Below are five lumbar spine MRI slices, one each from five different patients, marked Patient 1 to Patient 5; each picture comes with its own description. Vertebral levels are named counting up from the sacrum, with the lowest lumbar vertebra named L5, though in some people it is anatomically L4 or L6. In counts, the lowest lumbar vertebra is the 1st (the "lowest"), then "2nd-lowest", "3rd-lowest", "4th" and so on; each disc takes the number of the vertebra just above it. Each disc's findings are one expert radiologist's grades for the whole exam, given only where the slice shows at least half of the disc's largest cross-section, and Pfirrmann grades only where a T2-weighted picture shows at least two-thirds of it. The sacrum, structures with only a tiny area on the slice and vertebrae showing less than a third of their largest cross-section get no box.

Patient 1 of 5:
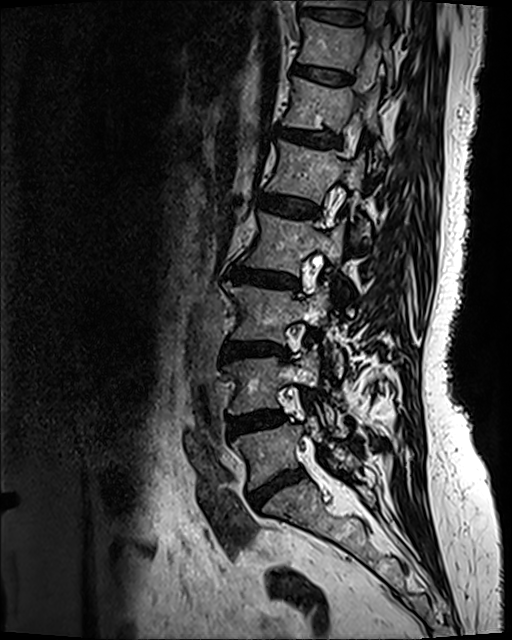
Sagittal T2 SPACE (3D) lumbar spine MRI; Slice 76 of 120

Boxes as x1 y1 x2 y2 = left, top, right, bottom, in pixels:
T12 at 283 78 382 160, L3/L4 at 223 340 287 355, disc T12/L1 at 276 127 342 147, L5 vertebra at 232 417 360 489, spinal canal at 370 1 386 54, disc L1/L2 at 255 191 318 217, L1 vertebra at 267 140 370 240, L3 at 224 282 343 373, T11/T12 at 293 64 351 83, T10 at 303 0 406 29, L4 at 225 349 333 421, T11 at 299 18 392 85, disc L4/L5 at 228 411 283 436, L2 vertebra at 245 212 344 275, disc T10/T11 at 300 7 363 25, disc L5/S1 at 251 471 301 507, disc L2/L3 at 228 266 299 290.

Radiological gradings:
• L2/L3: Pfirrmann grade 4, upper-endplate change, disc bulging, disc narrowing, Modic type II, lower-endplate change
• T10/T11: Pfirrmann grade 2
• L4/L5: disc bulging
• L3/L4: Pfirrmann grade 4, Modic type II, disc narrowing, lower-endplate change, upper-endplate change, disc bulging
• L5/S1: disc narrowing, disc bulging
• L1/L2: Pfirrmann grade 2
• T12/L1: Pfirrmann grade 3, disc bulging
• T11/T12: Pfirrmann grade 2

Patient 2 of 5:
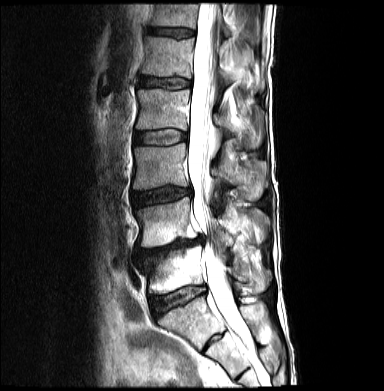
Slice 10 of 21. T2-weighted sagittal MRI of the lumbar spine.
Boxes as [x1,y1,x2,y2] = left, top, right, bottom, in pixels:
{"L1 vertebra": "[142,36,264,91]", "L5": "[138,245,270,294]", "L5/S1": "[150,286,204,315]", "IVD L4/L5": "[135,236,202,259]", "L3": "[133,143,267,199]", "L2 vertebra": "[136,89,264,148]", "L1/L2": "[139,77,190,89]", "IVD L3/L4": "[131,186,191,207]", "L2/L3": "[135,129,186,145]", "L4": "[135,197,269,247]", "thecal sac / spinal canal": "[187,3,248,342]", "T12": "[150,5,231,35]", "T12/L1": "[147,27,194,38]"}

Per-level radiological findings:
  L4/L5: Pfirrmann grade 5, disc bulging, disc herniation, lower-endplate change, upper-endplate change, disc narrowing, Modic type II
  T12/L1: Pfirrmann grade 3
  L2/L3: Pfirrmann grade 2
  L1/L2: Pfirrmann grade 2
  L3/L4: Pfirrmann grade 3, disc bulging, disc narrowing
  L5/S1: Pfirrmann grade 2, Modic type II

Patient 3 of 5:
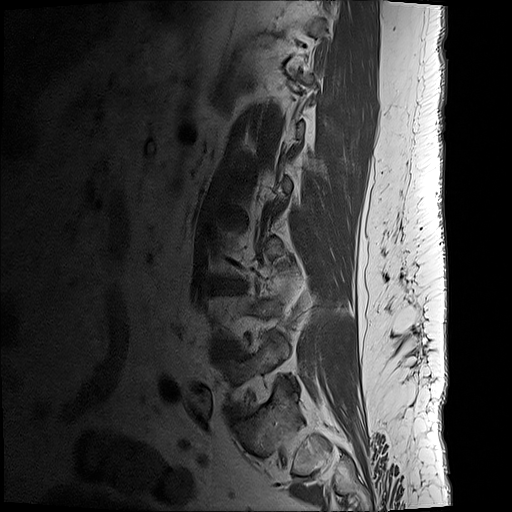 Lumbar spine MR, T1-weighted, sagittal. Field of view 300x300 mm. Slice 1/19.
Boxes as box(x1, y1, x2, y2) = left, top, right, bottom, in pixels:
{"3rd-lowest disc": "box(226, 282, 240, 287)", "lowest vertebra": "box(221, 333, 293, 404)"}

Patient 4 of 5:
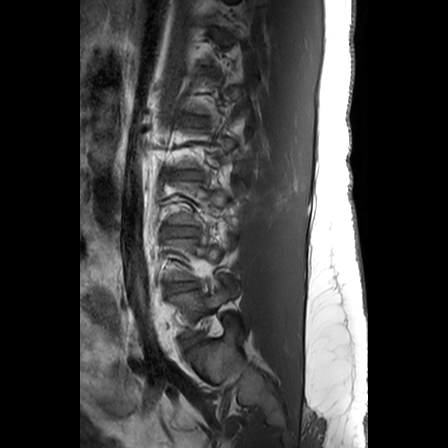
Lumbar spine MR, T1-weighted, sagittal. Slice 6/24. Sex M.

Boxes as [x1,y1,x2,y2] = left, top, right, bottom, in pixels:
L5/S1 (lowest disc): [186,334,201,347]
L3/L4 (3rd-lowest disc): [167,226,195,235]
L5 (lowest vertebra): [170,284,239,334]
IVD L4/L5 (2nd-lowest disc): [168,282,196,290]
L2/L3 (4th disc): [172,171,199,178]

Patient 5 of 5:
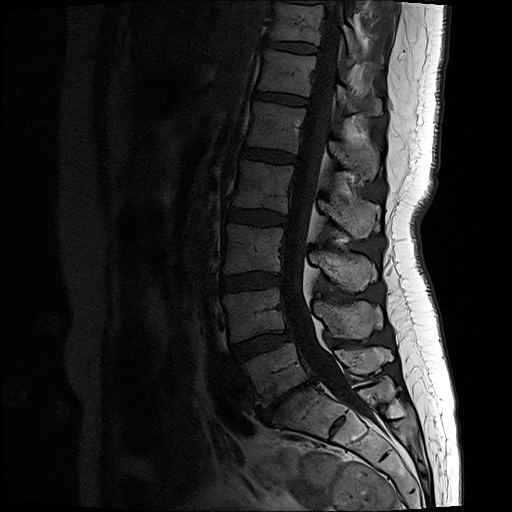
Sagittal T1-weighted lumbar spine MRI. Sagittal slice index 9.
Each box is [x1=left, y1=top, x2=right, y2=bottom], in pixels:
Annotations:
* L2 vertebra: [x1=234, y1=161, x2=378, y2=240]
* L1/L2: [x1=243, y1=147, x2=296, y2=163]
* L3 vertebra: [x1=224, y1=225, x2=377, y2=292]
* L5 vertebra: [x1=244, y1=342, x2=391, y2=406]
* L4: [x1=223, y1=286, x2=382, y2=341]
* L2/L3: [x1=226, y1=208, x2=286, y2=224]
* T11: [x1=270, y1=4, x2=359, y2=57]
* T12/L1: [x1=255, y1=92, x2=306, y2=105]
* disc T11/T12: [x1=266, y1=40, x2=316, y2=52]
* L1: [x1=247, y1=102, x2=377, y2=178]
* T12: [x1=259, y1=50, x2=381, y2=113]
* L5/S1: [x1=258, y1=376, x2=316, y2=420]
* L3/L4: [x1=221, y1=271, x2=282, y2=291]
* spinal canal: [x1=283, y1=1, x2=374, y2=419]
* L4/L5: [x1=233, y1=330, x2=292, y2=361]

Per-level radiological findings:
• L5/S1: Modic type III, upper-endplate change, lower-endplate change, disc narrowing, disc herniation, disc bulging
• L3/L4: disc bulging
• L4/L5: disc bulging
• T12/L1, L1/L2, T11/T12, L2/L3: no spondylolisthesis, narrowing, bulging, herniation, Modic or endplate change recorded